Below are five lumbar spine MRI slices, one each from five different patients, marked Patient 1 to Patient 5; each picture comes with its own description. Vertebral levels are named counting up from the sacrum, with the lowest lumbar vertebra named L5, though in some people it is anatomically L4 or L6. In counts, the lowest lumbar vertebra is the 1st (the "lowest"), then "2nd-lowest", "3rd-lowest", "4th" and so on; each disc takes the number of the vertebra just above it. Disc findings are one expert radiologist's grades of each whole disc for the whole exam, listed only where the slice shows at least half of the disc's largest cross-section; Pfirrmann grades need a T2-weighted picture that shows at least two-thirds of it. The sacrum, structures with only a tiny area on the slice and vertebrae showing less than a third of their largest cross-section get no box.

Patient 1 of 5:
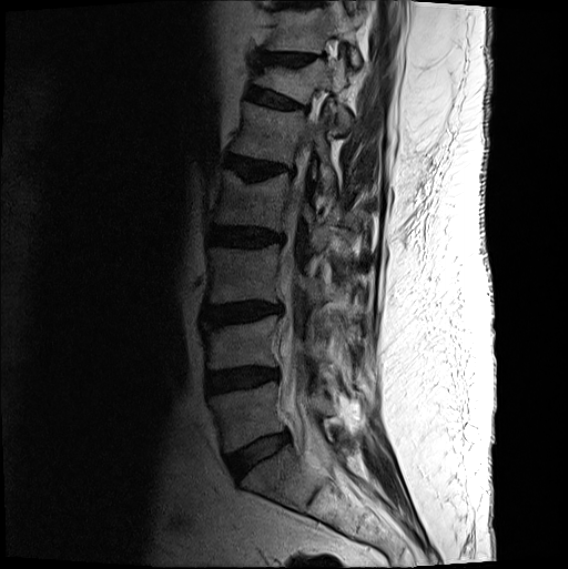 Patient sex: M, Slice 7 of 19, Lumbar spine MR, T2-weighted, sagittal, Field of view 300x301 mm

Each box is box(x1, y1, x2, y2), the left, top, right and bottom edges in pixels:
IVD L4/L5 (2nd-lowest disc): box(206, 367, 277, 393).
L1 (5th vertebra): box(231, 102, 335, 192).
Thecal sac / spinal canal: box(281, 140, 315, 439).
T11 (7th vertebra): box(268, 8, 365, 66).
L4 (2nd-lowest vertebra): box(203, 315, 327, 372).
T12 (6th vertebra): box(254, 55, 354, 131).
L2 (4th vertebra): box(216, 170, 328, 251).
IVD L1/L2 (5th disc): box(225, 154, 293, 177).
IVD T12/L1 (6th disc): box(247, 87, 303, 108).
L3 (3rd-lowest vertebra): box(207, 244, 324, 319).
L5/S1 (lowest disc): box(227, 432, 290, 478).
L5 (lowest vertebra): box(209, 380, 333, 452).
IVD L3/L4 (3rd-lowest disc): box(202, 302, 282, 324).
IVD L2/L3 (4th disc): box(209, 226, 284, 245).
IVD T11/T12 (7th disc): box(254, 51, 315, 67).

Degenerative findings by level:
- T11/T12 (7th disc): Pfirrmann grade 2, disc bulging, upper-endplate change, disc narrowing, lower-endplate change
- T12/L1 (6th disc): Pfirrmann grade 2, spondylolisthesis, disc bulging, upper-endplate change, lower-endplate change
- L2/L3 (4th disc): Pfirrmann grade 3, lower-endplate change, disc bulging
- L5/S1 (lowest disc): Pfirrmann grade 2, disc bulging
- L3/L4 (3rd-lowest disc): Pfirrmann grade 3, disc bulging, Modic type II, lower-endplate change, upper-endplate change
- L1/L2 (5th disc): Pfirrmann grade 3, disc narrowing, lower-endplate change, upper-endplate change, disc bulging, Modic type II
- L4/L5 (2nd-lowest disc): Pfirrmann grade 3, disc narrowing, disc bulging

Patient 2 of 5:
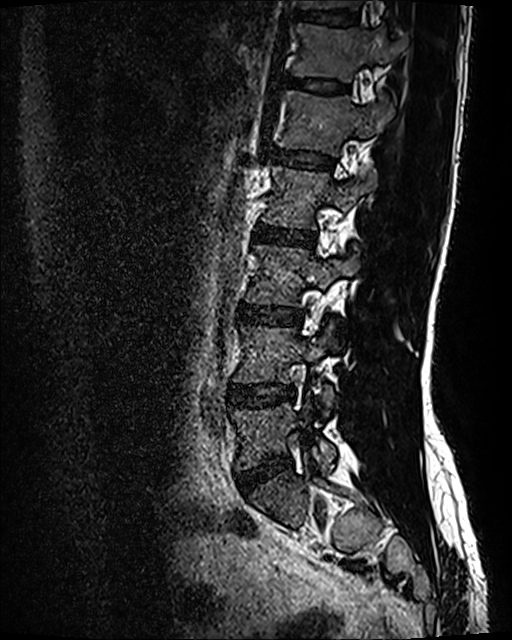

Field of view 240x300 mm | Sagittal T2 SPACE (3D) lumbar spine MRI | Sagittal slice index 76

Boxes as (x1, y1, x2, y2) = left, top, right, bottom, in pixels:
L4/L5 (2nd-lowest disc): (230, 383, 295, 406)
L5 (lowest vertebra): (231, 400, 335, 470)
intervertebral disc L1/L2 (5th disc): (271, 148, 333, 169)
intervertebral disc L5/S1 (lowest disc): (238, 455, 291, 494)
L3 (3rd-lowest vertebra): (245, 245, 359, 305)
L4 (2nd-lowest vertebra): (233, 326, 338, 415)
L2/L3 (4th disc): (253, 225, 315, 248)
T11 (7th vertebra): (295, 0, 362, 10)
L2 (4th vertebra): (261, 166, 376, 229)
L1 (5th vertebra): (276, 89, 392, 156)
intervertebral disc T12/L1 (6th disc): (287, 76, 348, 92)
T11/T12 (7th disc): (291, 9, 360, 26)
T12 (6th vertebra): (291, 23, 407, 82)
L3/L4 (3rd-lowest disc): (239, 304, 301, 325)

Per-level radiological findings:
- L4/L5 (2nd-lowest disc): disc bulging
- T11/T12 (7th disc): Pfirrmann grade 2
- L5/S1 (lowest disc): disc bulging
- L3/L4 (3rd-lowest disc): disc bulging
- L1/L2 (5th disc): Pfirrmann grade 2
- T12/L1 (6th disc): Pfirrmann grade 2
- L2/L3 (4th disc): no spondylolisthesis, narrowing, bulging, herniation, Modic or endplate change recorded

Patient 3 of 5:
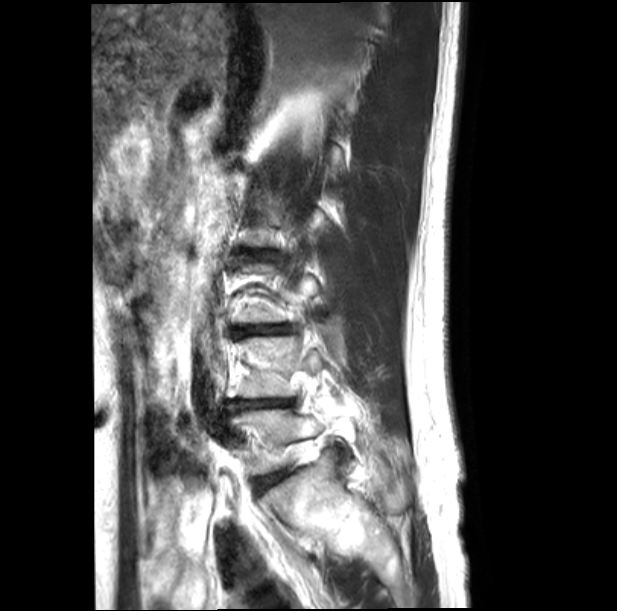 Slice spacing 4.4 mm. Slice 6 of 21. 617x611 px. Sagittal T2-weighted lumbar spine MRI.
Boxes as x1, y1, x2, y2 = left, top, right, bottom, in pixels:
L5 (lowest vertebra) at 233, 409, 323, 474; L3/L4 (3rd-lowest disc) at 239, 326, 286, 336; L5/S1 (lowest disc) at 260, 473, 282, 486; intervertebral disc L4/L5 (2nd-lowest disc) at 231, 399, 286, 410.

Radiological gradings:
- L4/L5 (2nd-lowest disc): disc bulging, upper-endplate change, lower-endplate change, disc narrowing

Patient 4 of 5:
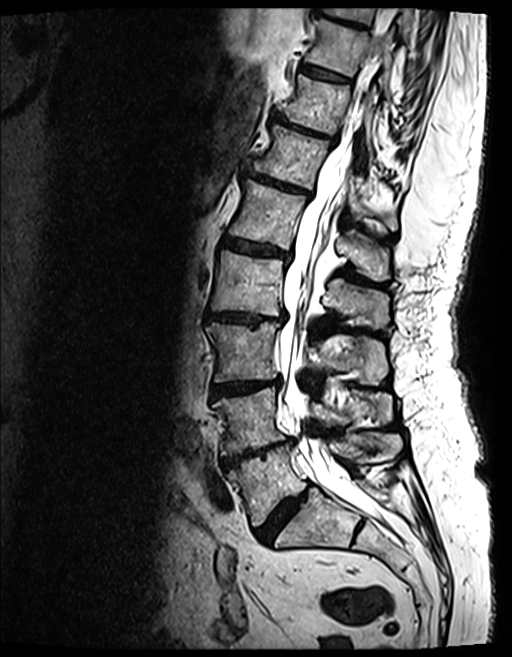 Sagittal T2 SPACE (3D) lumbar spine MRI, Sagittal slice index 72
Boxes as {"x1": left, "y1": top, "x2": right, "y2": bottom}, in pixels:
Spinal canal at {"x1": 279, "y1": 67, "x2": 374, "y2": 515}, L4 (2nd-lowest vertebra) at {"x1": 213, "y1": 387, "x2": 393, "y2": 455}, IVD L4/L5 (2nd-lowest disc) at {"x1": 221, "y1": 439, "x2": 293, "y2": 468}, T10 (8th vertebra) at {"x1": 306, "y1": 18, "x2": 392, "y2": 89}, L3 (3rd-lowest vertebra) at {"x1": 206, "y1": 322, "x2": 387, "y2": 383}, L2/L3 (4th disc) at {"x1": 206, "y1": 312, "x2": 283, "y2": 324}, IVD L5/S1 (lowest disc) at {"x1": 256, "y1": 485, "x2": 310, "y2": 543}, T12/L1 (6th disc) at {"x1": 245, "y1": 170, "x2": 310, "y2": 197}, T9/T10 (9th disc) at {"x1": 317, "y1": 6, "x2": 367, "y2": 29}, IVD L3/L4 (3rd-lowest disc) at {"x1": 212, "y1": 380, "x2": 278, "y2": 396}, T11 (7th vertebra) at {"x1": 280, "y1": 75, "x2": 373, "y2": 156}, T9 (9th vertebra) at {"x1": 328, "y1": 8, "x2": 412, "y2": 39}, L5 (lowest vertebra) at {"x1": 227, "y1": 434, "x2": 402, "y2": 526}, L1 (5th vertebra) at {"x1": 229, "y1": 180, "x2": 389, "y2": 281}, T10/T11 (8th disc) at {"x1": 302, "y1": 63, "x2": 350, "y2": 82}, L1/L2 (5th disc) at {"x1": 224, "y1": 238, "x2": 288, "y2": 260}, IVD T11/T12 (7th disc) at {"x1": 272, "y1": 112, "x2": 336, "y2": 141}, T12 (6th vertebra) at {"x1": 253, "y1": 123, "x2": 395, "y2": 229}, L2 (4th vertebra) at {"x1": 212, "y1": 252, "x2": 388, "y2": 329}.

Per-level radiological findings:
- T10/T11 (8th disc): Pfirrmann grade 4, upper-endplate change, lower-endplate change, Modic type II
- T11/T12 (7th disc): Pfirrmann grade 5, disc bulging, disc narrowing, upper-endplate change, Modic type II, lower-endplate change
- T12/L1 (6th disc): Pfirrmann grade 4, disc narrowing, disc bulging, Modic type II, upper-endplate change, lower-endplate change
- T9/T10 (9th disc): lower-endplate change, Modic type II, disc bulging, upper-endplate change
- L5/S1 (lowest disc): Pfirrmann grade 4, disc narrowing, disc bulging
- L3/L4 (3rd-lowest disc): Pfirrmann grade 4, lower-endplate change, disc bulging, disc narrowing, upper-endplate change, Modic type II
- L1/L2 (5th disc): Pfirrmann grade 4, upper-endplate change, disc narrowing, disc bulging, lower-endplate change, Modic type II
- L4/L5 (2nd-lowest disc): upper-endplate change, disc narrowing, disc bulging, lower-endplate change, Modic type II
- L2/L3 (4th disc): Pfirrmann grade 4, disc bulging, disc narrowing, lower-endplate change, Modic type II, upper-endplate change

Patient 5 of 5:
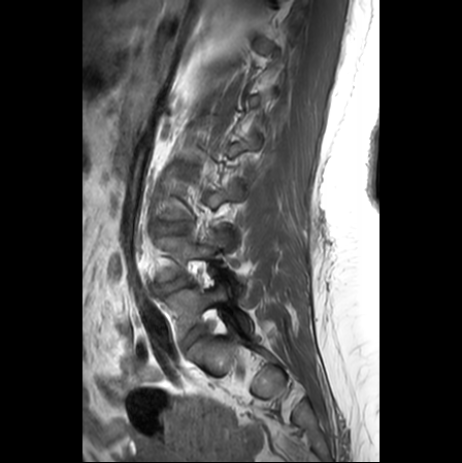

Lumbar spine MR, T1-weighted, sagittal; Image 462x463; Slice spacing 3.3 mm
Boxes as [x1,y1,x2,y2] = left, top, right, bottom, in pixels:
2nd-lowest disc: [159,277,189,292]
2nd-lowest vertebra: [159,230,244,291]
lowest disc: [182,326,207,348]
lowest vertebra: [166,283,252,336]
3rd-lowest disc: [156,221,187,233]

Degenerative findings by level:
- 3rd-lowest disc: no Modic or endplate change, herniation, narrowing, bulging or spondylolisthesis recorded